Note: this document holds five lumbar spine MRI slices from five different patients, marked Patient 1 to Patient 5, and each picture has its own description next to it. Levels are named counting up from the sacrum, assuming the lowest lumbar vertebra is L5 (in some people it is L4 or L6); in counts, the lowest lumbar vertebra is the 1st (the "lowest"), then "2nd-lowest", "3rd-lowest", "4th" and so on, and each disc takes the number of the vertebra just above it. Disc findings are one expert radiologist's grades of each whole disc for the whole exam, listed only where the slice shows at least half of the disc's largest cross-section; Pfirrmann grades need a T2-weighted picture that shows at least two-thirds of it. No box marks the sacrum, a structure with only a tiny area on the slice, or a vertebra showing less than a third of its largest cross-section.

Patient 1 of 5:
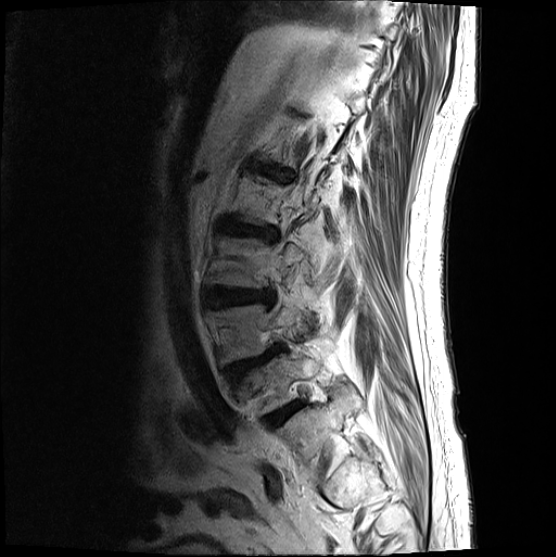 Slice 2 of 20. Image 556x557. Patient sex: M. Field of view 300x301 mm. T2-weighted sagittal MRI of the lumbar spine.
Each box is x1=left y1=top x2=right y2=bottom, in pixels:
Lowest disc at x1=266 y1=401 x2=302 y2=426, 2nd-lowest disc at x1=231 y1=348 x2=275 y2=371, lowest vertebra at x1=245 y1=354 x2=321 y2=413, 3rd-lowest disc at x1=209 y1=288 x2=264 y2=306, 2nd-lowest vertebra at x1=216 y1=303 x2=300 y2=363, 4th disc at x1=226 y1=223 x2=274 y2=236.

Degenerative findings by level:
- 3rd-lowest disc: disc bulging

Patient 2 of 5:
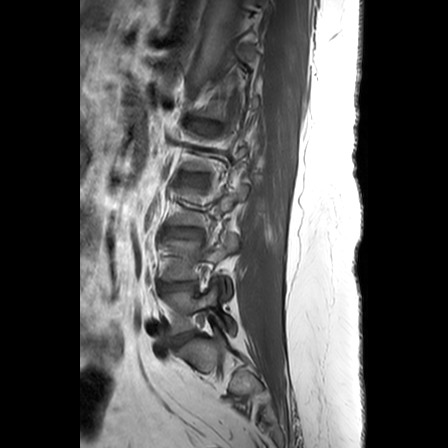

Sagittal slice index 17; MRI lumbar spine (T1-weighted), sagittal plane
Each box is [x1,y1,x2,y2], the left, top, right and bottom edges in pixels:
Intervertebral disc L1/L2 (5th disc) at [193,123,216,133], L3/L4 (3rd-lowest disc) at [166,227,200,237], L4 (2nd-lowest vertebra) at [162,234,238,298], L3 (3rd-lowest vertebra) at [171,185,248,225], intervertebral disc L5/S1 (lowest disc) at [172,332,194,346], intervertebral disc L4/L5 (2nd-lowest disc) at [159,281,195,291], L5 (lowest vertebra) at [165,285,235,333], intervertebral disc L2/L3 (4th disc) at [184,174,202,182].

Expert MSK radiologist gradings (per disc):
• L3/L4 (3rd-lowest disc): upper-endplate change

Patient 3 of 5:
Sex F. T1-weighted sagittal MRI of the lumbar spine. Slice 15/24.

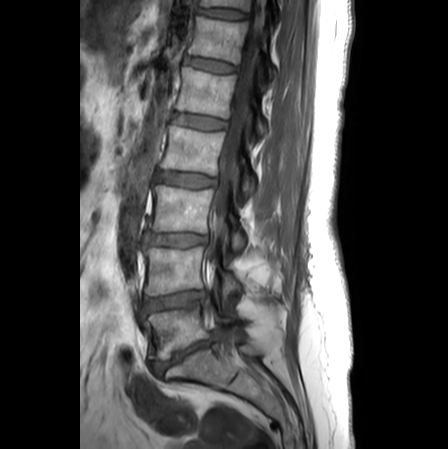 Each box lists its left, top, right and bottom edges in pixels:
T11: left=200, top=0, right=276, bottom=10.
L5 vertebra: left=146, top=300, right=239, bottom=360.
L3 vertebra: left=149, top=185, right=245, bottom=249.
Intervertebral disc L5/S1: left=150, top=332, right=220, bottom=376.
Intervertebral disc L2/L3: left=156, top=172, right=216, bottom=188.
L3/L4: left=145, top=233, right=206, bottom=247.
L4: left=145, top=247, right=242, bottom=295.
Thecal sac / spinal canal: left=207, top=0, right=264, bottom=287.
T12: left=189, top=17, right=276, bottom=78.
L2 vertebra: left=161, top=126, right=255, bottom=196.
L1 vertebra: left=175, top=68, right=266, bottom=134.
L4/L5: left=145, top=291, right=205, bottom=313.
Intervertebral disc T12/L1: left=186, top=56, right=236, bottom=73.
L1/L2: left=172, top=113, right=226, bottom=129.
T11/T12: left=197, top=7, right=247, bottom=19.

Per-level radiological findings:
- L2/L3: disc bulging
- L5/S1: disc herniation, disc narrowing, Modic type II, upper-endplate change, lower-endplate change
- L3/L4: disc bulging
- L4/L5: disc narrowing, disc bulging
- L1/L2, T12/L1, T11/T12: no herniation, bulging, narrowing, spondylolisthesis, endplate or Modic change recorded

Patient 4 of 5:
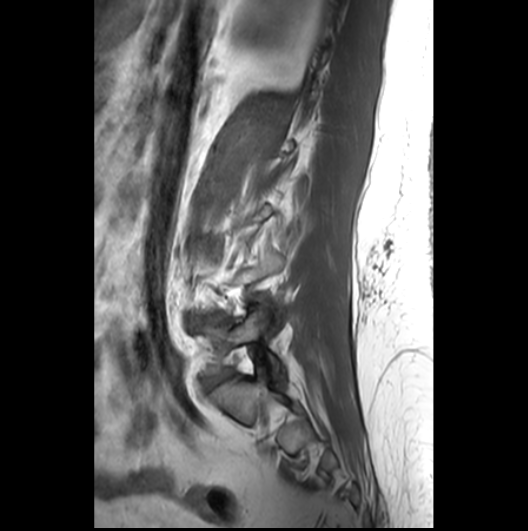 Slice 7/26. Field of view 280x282 mm. T1-weighted sagittal MRI of the lumbar spine. Patient sex: F.
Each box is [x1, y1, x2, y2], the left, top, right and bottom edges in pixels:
L5/S1 at [204, 371, 230, 390], L5 at [198, 306, 284, 381], intervertebral disc L4/L5 at [192, 314, 225, 321].

Patient 5 of 5:
591x598 px. Sex F. MRI lumbar spine (T1-weighted), sagittal plane. 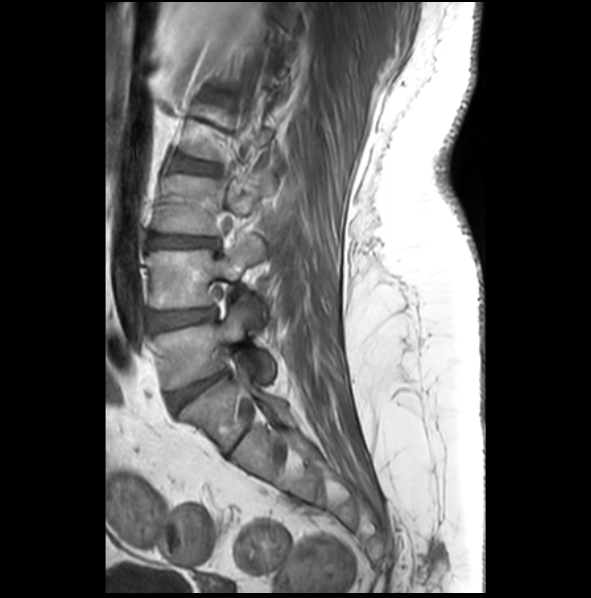

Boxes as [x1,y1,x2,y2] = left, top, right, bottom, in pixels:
{"L3/L4": "[149,233,218,248]", "L5 vertebra": "[156,301,276,389]", "intervertebral disc L5/S1": "[170,369,227,410]", "L3 vertebra": "[157,173,272,235]", "L2/L3": "[174,158,215,173]", "L4": "[148,236,267,327]", "intervertebral disc L4/L5": "[150,308,217,330]"}

Per-level radiological findings:
  L4/L5: disc bulging
  L5/S1: lower-endplate change, disc bulging, upper-endplate change
  L3/L4: Modic type II, upper-endplate change, disc narrowing, disc bulging, lower-endplate change
  L2/L3: no herniation, bulging, narrowing, spondylolisthesis, endplate or Modic change recorded